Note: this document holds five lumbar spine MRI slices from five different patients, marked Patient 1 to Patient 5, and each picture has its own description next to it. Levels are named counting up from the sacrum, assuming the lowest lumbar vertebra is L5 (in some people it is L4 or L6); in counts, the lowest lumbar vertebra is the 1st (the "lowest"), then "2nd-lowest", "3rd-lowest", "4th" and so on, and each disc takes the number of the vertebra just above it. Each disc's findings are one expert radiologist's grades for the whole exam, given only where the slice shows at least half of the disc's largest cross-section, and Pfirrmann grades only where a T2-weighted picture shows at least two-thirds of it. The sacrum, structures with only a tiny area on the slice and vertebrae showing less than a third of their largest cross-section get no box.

Patient 1 of 5:
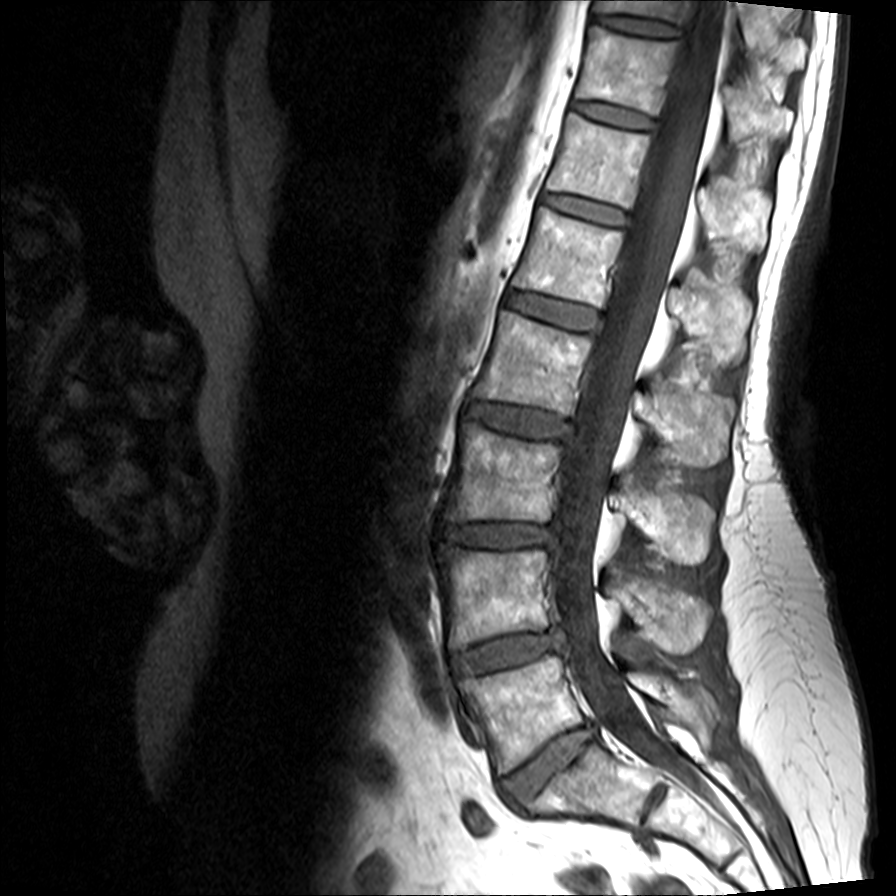 MRI lumbar spine (T1-weighted), sagittal plane | Patient sex: F
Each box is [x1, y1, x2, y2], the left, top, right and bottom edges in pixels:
- 6th vertebra at [547, 112, 766, 248]
- 3rd-lowest disc at [443, 523, 556, 546]
- 7th vertebra at [576, 25, 752, 138]
- 4th disc at [469, 400, 574, 438]
- 6th disc at [544, 194, 628, 225]
- thecal sac / spinal canal at [553, 0, 727, 778]
- 5th vertebra at [513, 206, 749, 363]
- 3rd-lowest vertebra at [447, 421, 714, 562]
- 4th vertebra at [474, 310, 731, 464]
- 8th disc at [595, 14, 677, 36]
- 2nd-lowest disc at [451, 627, 564, 674]
- 8th vertebra at [595, 0, 806, 67]
- 7th disc at [573, 100, 656, 129]
- lowest vertebra at [461, 656, 716, 773]
- 5th disc at [507, 291, 602, 330]
- lowest disc at [501, 723, 597, 805]
- 2nd-lowest vertebra at [442, 548, 710, 653]

Per-level radiological findings:
  3rd-lowest disc: upper-endplate change, disc bulging, lower-endplate change, disc narrowing
  2nd-lowest disc: disc herniation, Modic type II, disc bulging, disc narrowing
  4th disc: disc bulging
  lowest disc: disc bulging, disc narrowing
  5th disc, 6th disc, 7th disc, 8th disc: no herniation, bulging, narrowing, spondylolisthesis, endplate or Modic change recorded

Patient 2 of 5:
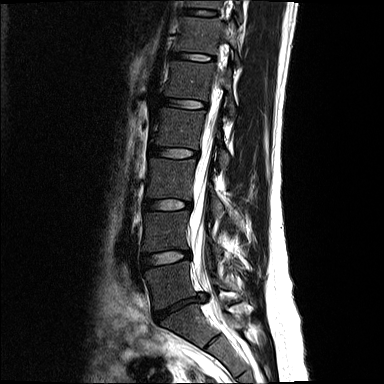 Image 384x384; Lumbar spine MR, T2-weighted, sagittal
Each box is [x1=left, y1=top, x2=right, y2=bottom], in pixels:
2nd-lowest disc: [x1=143, y1=251, x2=190, y2=268]
4th disc: [x1=150, y1=145, x2=197, y2=157]
lowest vertebra: [x1=145, y1=261, x2=226, y2=309]
6th disc: [x1=171, y1=52, x2=207, y2=60]
3rd-lowest vertebra: [x1=147, y1=158, x2=223, y2=217]
4th vertebra: [x1=152, y1=108, x2=229, y2=168]
5th disc: [x1=160, y1=97, x2=204, y2=108]
6th vertebra: [x1=175, y1=17, x2=239, y2=64]
5th vertebra: [x1=165, y1=61, x2=234, y2=115]
3rd-lowest disc: [x1=144, y1=199, x2=191, y2=209]
spinal canal: [x1=190, y1=76, x2=221, y2=299]
lowest disc: [x1=154, y1=293, x2=205, y2=319]
7th disc: [x1=182, y1=9, x2=214, y2=15]
7th vertebra: [x1=185, y1=0, x2=221, y2=8]
2nd-lowest vertebra: [x1=143, y1=211, x2=221, y2=256]

Radiological gradings:
• 6th disc: Pfirrmann grade 2
• 2nd-lowest disc: Pfirrmann grade 2, disc bulging
• 4th disc: Pfirrmann grade 2
• lowest disc: Pfirrmann grade 5, disc narrowing, disc herniation
• 7th disc: Pfirrmann grade 2
• 3rd-lowest disc: Pfirrmann grade 2
• 5th disc: Pfirrmann grade 2

Patient 3 of 5:
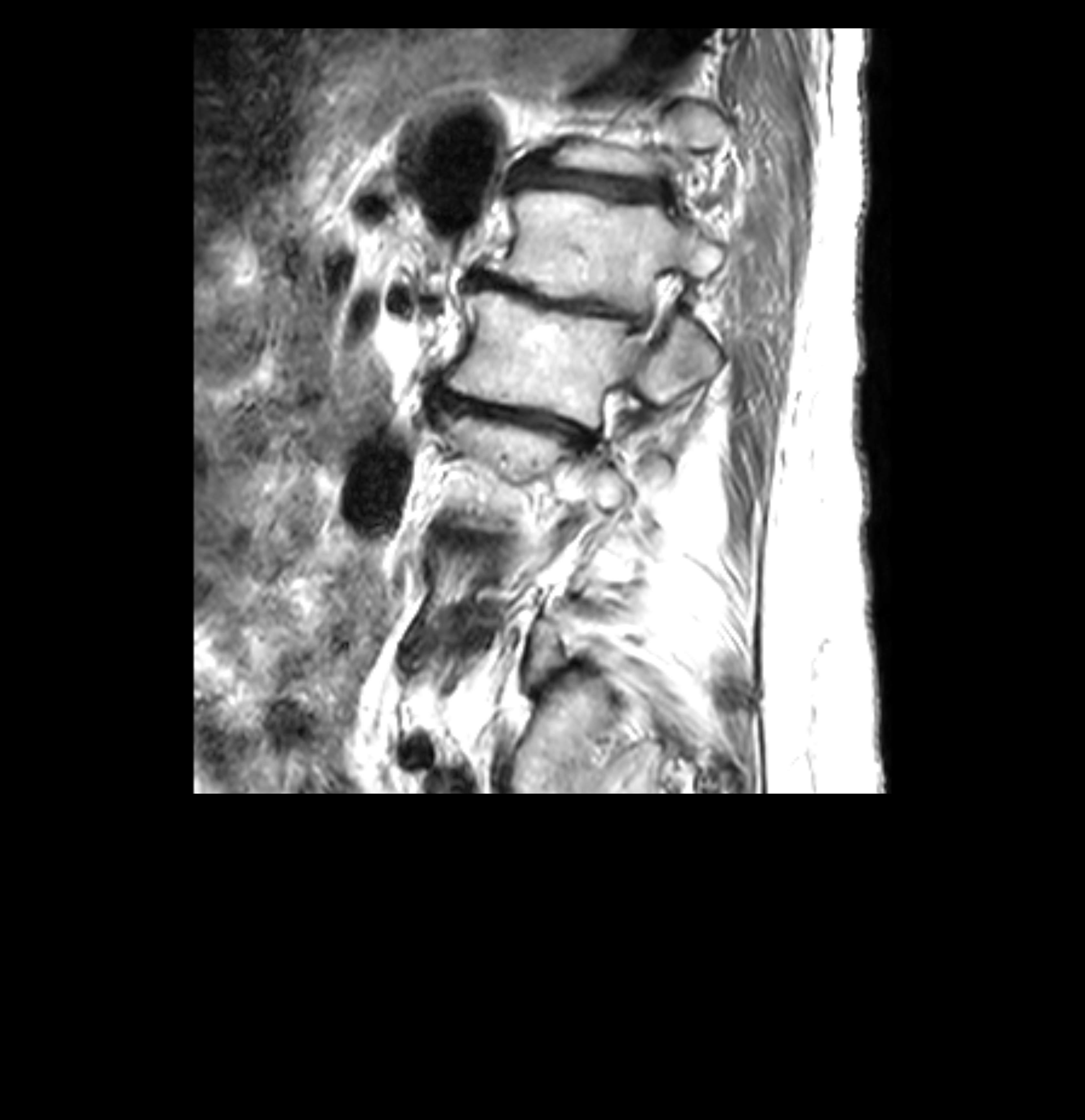 Sagittal T2-weighted lumbar spine MRI; Sagittal slice index 28
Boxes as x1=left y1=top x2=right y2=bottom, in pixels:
Intervertebral disc L1/L2 (5th disc) at x1=477 y1=273 x2=646 y2=331, spinal canal at x1=618 y1=274 x2=666 y2=369, L1 (5th vertebra) at x1=492 y1=190 x2=753 y2=313, intervertebral disc L2/L3 (4th disc) at x1=426 y1=385 x2=598 y2=452, T12/L1 (6th disc) at x1=513 y1=167 x2=668 y2=202, L2 (4th vertebra) at x1=446 y1=289 x2=717 y2=425.

Per-level radiological findings:
- T12/L1 (6th disc): Pfirrmann grade 5, Modic type II, disc bulging, lower-endplate change, upper-endplate change, disc narrowing
- L2/L3 (4th disc): Pfirrmann grade 5, disc bulging, Modic type II, lower-endplate change, upper-endplate change, disc narrowing

Patient 4 of 5:
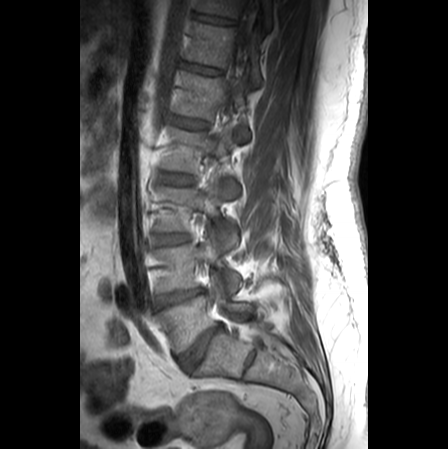 Lumbar spine MR, T1-weighted, sagittal, Sex M
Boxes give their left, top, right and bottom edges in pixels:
{"lowest vertebra": "left=160, top=281, right=252, bottom=353", "5th vertebra": "left=174, top=71, right=249, bottom=140", "3rd-lowest vertebra": "left=155, top=180, right=237, bottom=247", "6th disc": "left=182, top=62, right=221, bottom=75", "7th disc": "left=194, top=14, right=233, bottom=24", "4th disc": "left=160, top=173, right=192, bottom=185", "3rd-lowest disc": "left=156, top=233, right=187, bottom=245", "thecal sac / spinal canal": "left=224, top=0, right=278, bottom=349", "5th disc": "left=172, top=116, right=208, bottom=128", "7th vertebra": "left=196, top=0, right=271, bottom=28", "6th vertebra": "left=186, top=21, right=261, bottom=85", "2nd-lowest vertebra": "left=155, top=236, right=240, bottom=293", "2nd-lowest disc": "left=158, top=289, right=201, bottom=306", "lowest disc": "left=179, top=325, right=222, bottom=369", "4th vertebra": "left=162, top=125, right=238, bottom=199"}

Per-level radiological findings:
• lowest disc: Modic type II, disc bulging, disc narrowing
• 4th disc, 5th disc, 6th disc, 7th disc: no spondylolisthesis, narrowing, bulging, herniation, Modic or endplate change recorded

Patient 5 of 5:
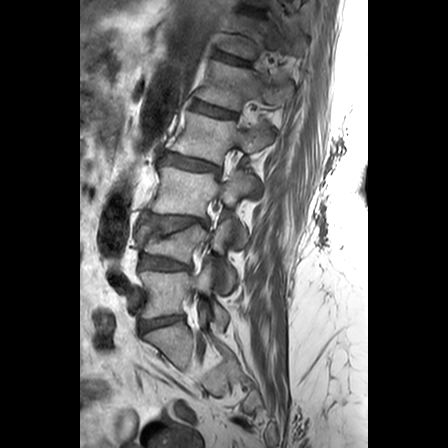

Slice 17/24 | T1-weighted sagittal MRI of the lumbar spine
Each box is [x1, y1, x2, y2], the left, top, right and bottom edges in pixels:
Intervertebral disc T12/L1: [215, 51, 251, 65].
L1/L2: [192, 100, 236, 117].
L3: [152, 167, 255, 245].
L1 vertebra: [196, 61, 292, 110].
Intervertebral disc T11/T12: [242, 6, 263, 15].
L2: [170, 111, 272, 196].
T12: [219, 15, 296, 59].
L3/L4: [142, 213, 208, 226].
Intervertebral disc L4/L5: [140, 253, 191, 270].
L4 vertebra: [136, 220, 236, 291].
Intervertebral disc L2/L3: [160, 152, 219, 172].
Intervertebral disc L5/S1: [140, 315, 184, 333].
L5: [139, 262, 229, 329].

Radiological gradings:
  L2/L3: lower-endplate change, upper-endplate change
  T12/L1: upper-endplate change, lower-endplate change
  L4/L5: disc bulging, lower-endplate change
  L1/L2: upper-endplate change
  L5/S1: disc bulging
  L3/L4: disc bulging, lower-endplate change, upper-endplate change